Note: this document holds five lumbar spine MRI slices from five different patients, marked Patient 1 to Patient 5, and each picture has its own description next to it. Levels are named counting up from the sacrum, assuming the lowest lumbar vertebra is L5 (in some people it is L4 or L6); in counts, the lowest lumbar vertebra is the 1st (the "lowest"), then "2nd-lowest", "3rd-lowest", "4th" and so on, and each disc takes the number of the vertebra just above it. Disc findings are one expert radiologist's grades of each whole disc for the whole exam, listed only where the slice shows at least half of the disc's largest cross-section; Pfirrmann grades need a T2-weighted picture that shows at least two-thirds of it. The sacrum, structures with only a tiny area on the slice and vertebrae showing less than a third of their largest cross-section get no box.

Patient 1 of 5:
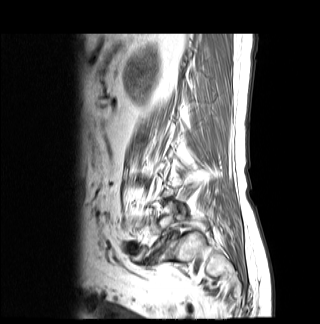 T1-weighted sagittal MRI of the lumbar spine.

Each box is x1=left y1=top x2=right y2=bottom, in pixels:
intervertebral disc L5/S1 — x1=148 y1=234 x2=171 y2=262 | L5 — x1=146 y1=201 x2=177 y2=254

Patient 2 of 5:
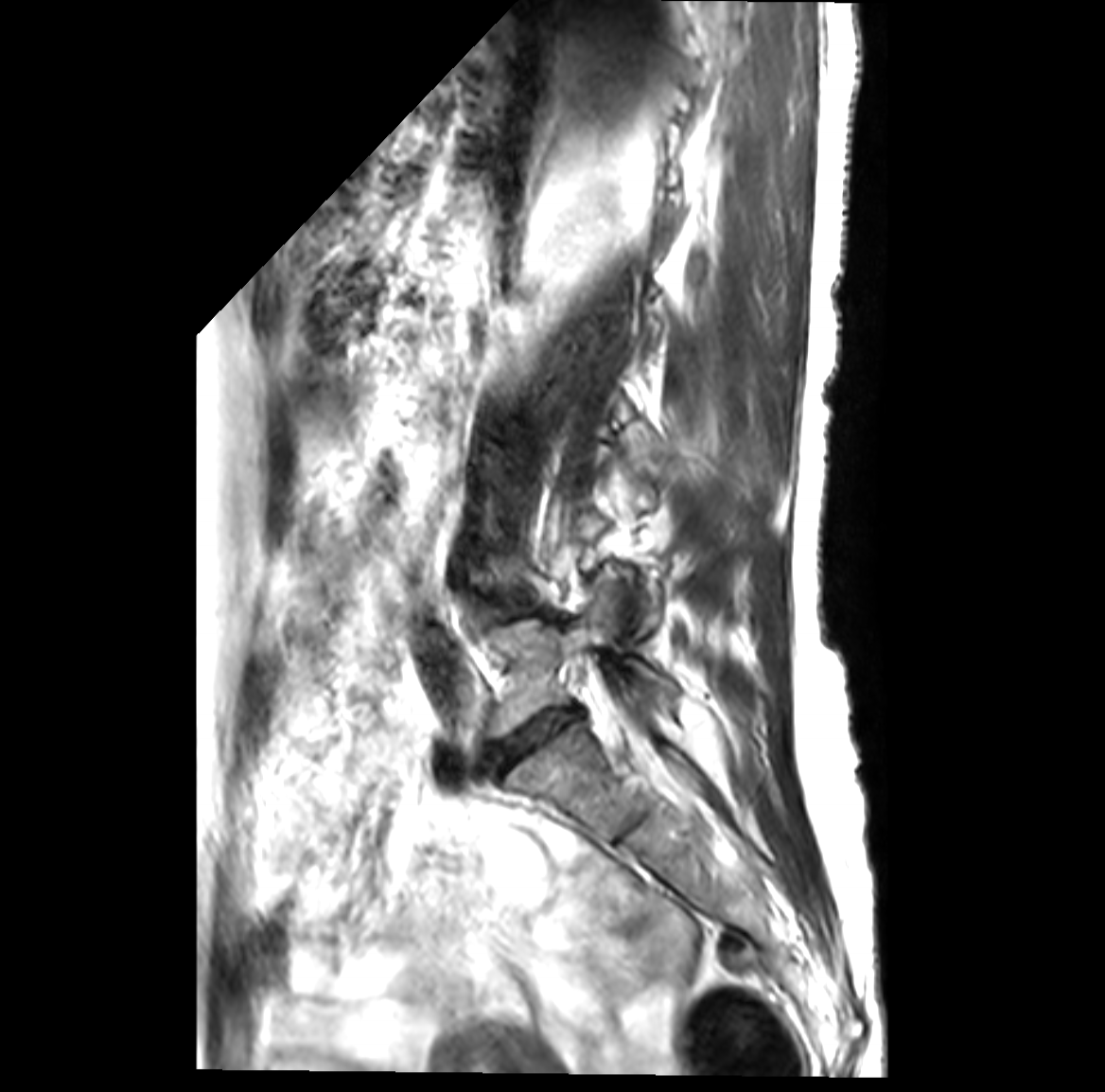 MRI lumbar spine (T2-weighted), sagittal plane; Field of view 290x286 mm, slice spacing 3.4 mm; Slice 14/41
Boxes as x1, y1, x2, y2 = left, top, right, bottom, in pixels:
L5/S1 at 493, 711, 576, 764; IVD L4/L5 at 496, 605, 523, 615; L5 at 490, 577, 677, 735.

Radiological gradings:
  L5/S1: disc narrowing, disc bulging, Modic type II

Patient 3 of 5:
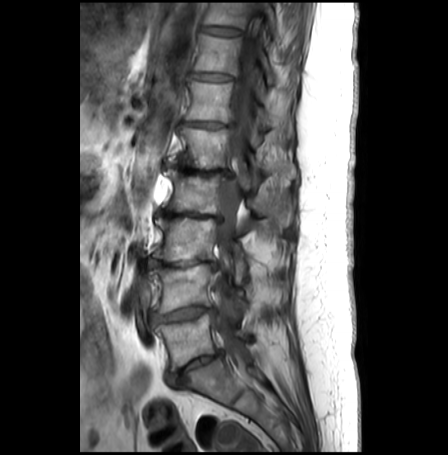 Sagittal T1-weighted lumbar spine MRI. Patient sex: F.
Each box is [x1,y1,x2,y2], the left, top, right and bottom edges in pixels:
Structures:
• T10 vertebra at [203,3,282,39]
• L1 at [169,127,297,177]
• L4 vertebra at [148,263,245,312]
• L3/L4 at [148,258,217,269]
• IVD T11/T12 at [190,71,232,80]
• IVD L1/L2 at [164,163,230,176]
• T11 at [194,33,293,88]
• IVD L5/S1 at [167,350,222,382]
• L2 vertebra at [162,168,293,225]
• L4/L5 at [150,305,214,322]
• IVD L2/L3 at [156,210,220,221]
• IVD T10/T11 at [202,26,241,35]
• T12 at [185,79,292,139]
• IVD T12/L1 at [183,120,231,127]
• L3 at [152,217,284,282]
• L5 at [155,313,250,369]
• thecal sac / spinal canal at [211,13,266,390]

Expert MSK radiologist gradings (per disc):
• T12/L1: upper-endplate change, Modic type II, disc narrowing, disc bulging, lower-endplate change
• T11/T12: disc bulging
• L3/L4: disc narrowing, lower-endplate change, disc bulging, upper-endplate change, Modic type II
• L4/L5: upper-endplate change, lower-endplate change, Modic type II, disc herniation, disc bulging, disc narrowing
• L2/L3: disc bulging, Modic type II, disc narrowing, lower-endplate change, upper-endplate change
• L1/L2: upper-endplate change, disc narrowing, Modic type II, lower-endplate change, disc bulging
• L5/S1: upper-endplate change, disc bulging, lower-endplate change, disc narrowing, Modic type II
• T10/T11: no spondylolisthesis, narrowing, bulging, herniation, Modic or endplate change recorded

Patient 4 of 5:
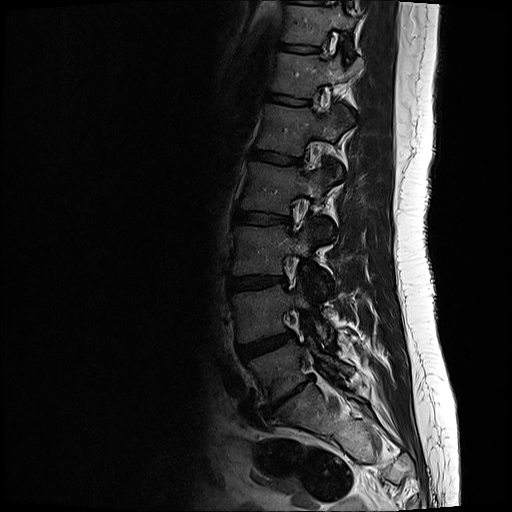
T2-weighted sagittal MRI of the lumbar spine
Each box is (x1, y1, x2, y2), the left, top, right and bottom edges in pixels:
2nd-lowest vertebra at (231, 284, 326, 341), 4th vertebra at (239, 162, 320, 213), 5th disc at (247, 150, 300, 164), 5th vertebra at (255, 102, 340, 178), 2nd-lowest disc at (236, 331, 291, 359), 3rd-lowest disc at (227, 275, 285, 292), 7th disc at (272, 42, 318, 52), 4th disc at (231, 209, 290, 224), 7th vertebra at (279, 4, 352, 53), lowest disc at (262, 380, 306, 418), 6th disc at (264, 93, 307, 105), 6th vertebra at (268, 51, 343, 97), lowest vertebra at (247, 340, 350, 403), 3rd-lowest vertebra at (231, 225, 323, 292).

Per-level radiological findings:
  3rd-lowest disc: Pfirrmann grade 2, disc bulging
  2nd-lowest disc: Pfirrmann grade 3, disc bulging
  6th disc: Pfirrmann grade 2
  5th disc: Pfirrmann grade 2
  lowest disc: disc bulging, disc narrowing, disc herniation, upper-endplate change, Modic type III, lower-endplate change
  4th disc: Pfirrmann grade 2
  7th disc: no herniation, bulging, narrowing, spondylolisthesis, endplate or Modic change recorded

Patient 5 of 5:
MRI lumbar spine (T1-weighted), sagittal plane | Sex M 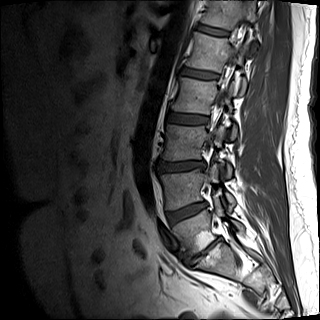
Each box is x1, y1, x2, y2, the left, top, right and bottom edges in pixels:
4th disc: 166, 112, 208, 124.
3rd-lowest disc: 158, 161, 205, 172.
2nd-lowest vertebra: 160, 164, 235, 211.
3rd-lowest vertebra: 160, 124, 232, 177.
5th disc: 181, 68, 218, 79.
Lowest disc: 187, 238, 220, 261.
5th vertebra: 186, 32, 247, 95.
4th vertebra: 170, 77, 237, 139.
6th vertebra: 201, 0, 258, 54.
Spinal canal: 210, 41, 239, 143.
6th disc: 197, 24, 229, 36.
Lowest vertebra: 173, 200, 245, 254.
2nd-lowest disc: 167, 202, 207, 223.

Expert MSK radiologist gradings (per disc):
- 3rd-lowest disc: disc bulging
- lowest disc: disc bulging, disc narrowing, upper-endplate change, lower-endplate change, Modic type II
- 2nd-lowest disc: disc bulging, disc narrowing, lower-endplate change
- 5th disc: upper-endplate change
- 6th disc, 4th disc: no spondylolisthesis, narrowing, bulging, herniation, Modic or endplate change recorded